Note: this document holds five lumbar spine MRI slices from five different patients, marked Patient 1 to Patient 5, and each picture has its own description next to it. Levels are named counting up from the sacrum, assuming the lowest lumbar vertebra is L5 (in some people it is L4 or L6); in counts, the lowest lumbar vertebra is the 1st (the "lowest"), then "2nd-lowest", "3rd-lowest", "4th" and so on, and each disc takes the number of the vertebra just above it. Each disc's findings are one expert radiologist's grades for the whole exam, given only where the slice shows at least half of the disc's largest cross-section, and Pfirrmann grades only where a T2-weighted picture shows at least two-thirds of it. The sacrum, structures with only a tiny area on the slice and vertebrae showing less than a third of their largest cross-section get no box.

Patient 1 of 5:
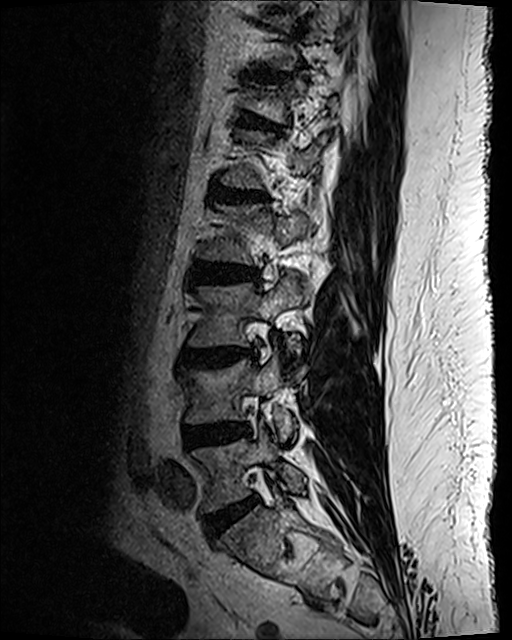
MRI lumbar spine (T2 SPACE (3D)), sagittal plane

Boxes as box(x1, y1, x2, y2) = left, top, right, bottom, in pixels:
{"disc T12/L1 (6th disc)": "box(242, 117, 274, 130)", "disc L2/L3 (4th disc)": "box(192, 265, 259, 284)", "L5/S1 (lowest disc)": "box(206, 500, 254, 534)", "L5 (lowest vertebra)": "box(193, 425, 306, 510)", "disc L1/L2 (5th disc)": "box(212, 183, 263, 204)", "L4 (2nd-lowest vertebra)": "box(185, 351, 294, 440)", "disc T11/T12 (7th disc)": "box(252, 68, 303, 81)", "L3 (3rd-lowest vertebra)": "box(189, 275, 306, 350)", "disc L4/L5 (2nd-lowest disc)": "box(183, 425, 249, 447)", "disc L3/L4 (3rd-lowest disc)": "box(183, 350, 256, 365)"}

Expert MSK radiologist gradings (per disc):
• L4/L5 (2nd-lowest disc): Pfirrmann grade 3, disc bulging, disc narrowing
• L3/L4 (3rd-lowest disc): lower-endplate change, upper-endplate change, Modic type II, disc bulging
• L2/L3 (4th disc): disc bulging, lower-endplate change

Patient 2 of 5:
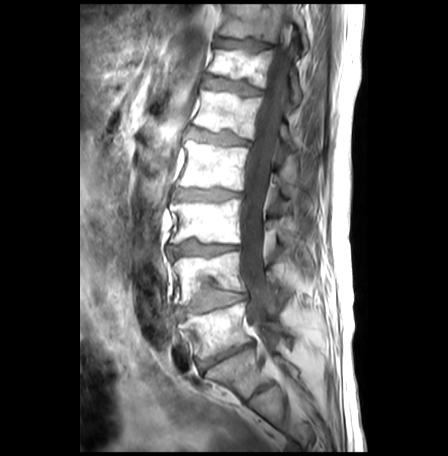

MRI lumbar spine (T1-weighted), sagittal plane, 448x456 px

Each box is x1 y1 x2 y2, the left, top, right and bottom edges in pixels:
Annotations:
- T11 (7th vertebra): 219 4 308 52
- intervertebral disc L2/L3 (4th disc): 173 191 241 202
- T12 (6th vertebra): 208 50 301 107
- L4 (2nd-lowest vertebra): 172 252 283 305
- L3/L4 (3rd-lowest disc): 166 242 238 259
- L5 (lowest vertebra): 180 302 291 358
- L4/L5 (2nd-lowest disc): 175 286 247 318
- L3 (3rd-lowest vertebra): 169 199 295 248
- L2 (4th vertebra): 174 142 292 196
- spinal canal: 237 15 297 399
- L5/S1 (lowest disc): 198 343 252 372
- intervertebral disc L1/L2 (5th disc): 188 129 247 146
- intervertebral disc T12/L1 (6th disc): 203 76 261 96
- intervertebral disc T11/T12 (7th disc): 215 38 270 51
- L1 (5th vertebra): 192 91 296 150

Degenerative findings by level:
• T12/L1 (6th disc): lower-endplate change, upper-endplate change, disc bulging, Modic type II
• L1/L2 (5th disc): disc bulging, upper-endplate change, lower-endplate change, Modic type II
• L5/S1 (lowest disc): disc narrowing, disc bulging, Modic type II
• T11/T12 (7th disc): upper-endplate change, lower-endplate change, Modic type II
• L3/L4 (3rd-lowest disc): Modic type II, disc narrowing, lower-endplate change, upper-endplate change, disc bulging
• L4/L5 (2nd-lowest disc): Modic type II, lower-endplate change, disc bulging, upper-endplate change
• L2/L3 (4th disc): disc bulging, lower-endplate change, Modic type II, upper-endplate change, disc narrowing

Patient 3 of 5:
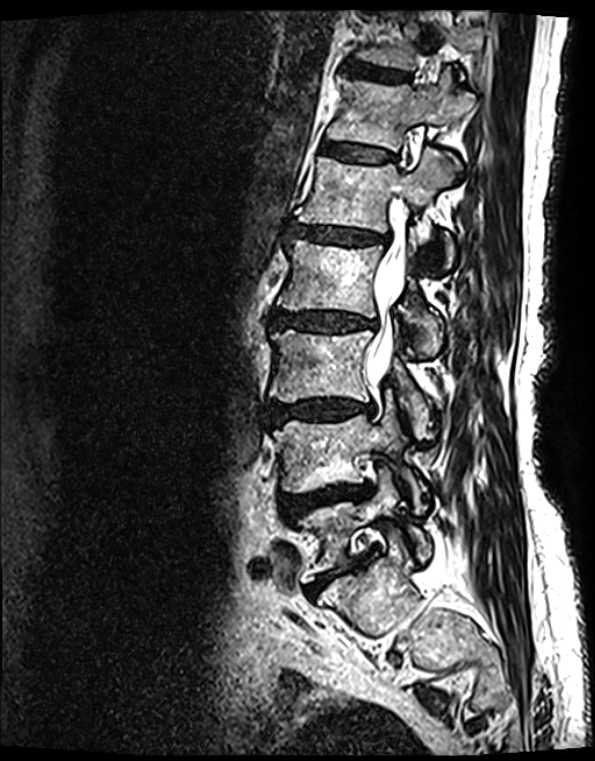

Field of view 240x307 mm, slice spacing 0.9 mm | MRI lumbar spine (T2 SPACE (3D)), sagittal plane | Slice 87/139 | Patient sex: F
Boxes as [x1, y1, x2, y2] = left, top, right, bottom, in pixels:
5th vertebra: [295, 150, 452, 266]
3rd-lowest disc: [272, 399, 372, 423]
2nd-lowest disc: [281, 489, 358, 522]
spinal canal: [366, 198, 406, 381]
lowest disc: [308, 558, 364, 595]
lowest vertebra: [296, 468, 430, 582]
2nd-lowest vertebra: [273, 403, 426, 512]
7th vertebra: [356, 12, 483, 71]
7th disc: [348, 65, 408, 82]
6th disc: [321, 144, 391, 163]
6th vertebra: [327, 74, 473, 150]
4th vertebra: [278, 241, 442, 355]
5th disc: [289, 226, 377, 244]
4th disc: [272, 312, 373, 332]
3rd-lowest vertebra: [269, 330, 433, 438]

Expert MSK radiologist gradings (per disc):
• 3rd-lowest disc: Pfirrmann grade 4, lower-endplate change, disc bulging, Modic type II, upper-endplate change, disc narrowing
• 5th disc: Pfirrmann grade 4, Modic type II, upper-endplate change, disc narrowing, lower-endplate change, disc bulging
• 2nd-lowest disc: Modic type II, disc bulging, disc herniation, lower-endplate change, disc narrowing, upper-endplate change
• 4th disc: Pfirrmann grade 4, lower-endplate change, Modic type II, disc bulging, upper-endplate change, disc narrowing
• 7th disc: lower-endplate change, upper-endplate change, Modic type II
• 6th disc: Pfirrmann grade 2, upper-endplate change, lower-endplate change, Modic type II

Patient 4 of 5:
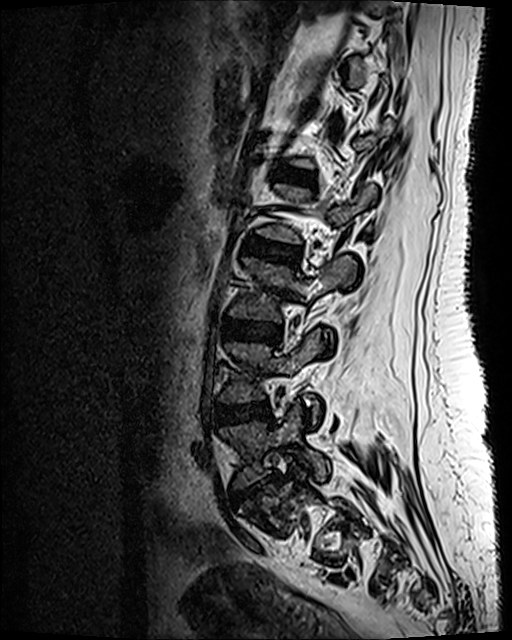 Sagittal T2 SPACE (3D) lumbar spine MRI; Slice 82/120

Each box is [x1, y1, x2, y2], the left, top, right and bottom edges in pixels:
Segmented structures:
• L2/L3 = [244, 237, 299, 265]
• L5 = [220, 405, 330, 486]
• L3/L4 = [222, 319, 280, 343]
• L4 vertebra = [221, 330, 319, 422]
• L3 vertebra = [230, 256, 354, 320]
• IVD L1/L2 = [276, 168, 313, 185]
• L4/L5 = [217, 404, 270, 424]
• IVD L5/S1 = [238, 477, 274, 497]

Radiological gradings:
• L2/L3: disc bulging
• L3/L4: no Modic or endplate change, herniation, narrowing, bulging or spondylolisthesis recorded

Patient 5 of 5:
Scanner: SIEMENS Avanto_fit (1.5T), Lumbar spine MR, T2 SPACE (3D), sagittal 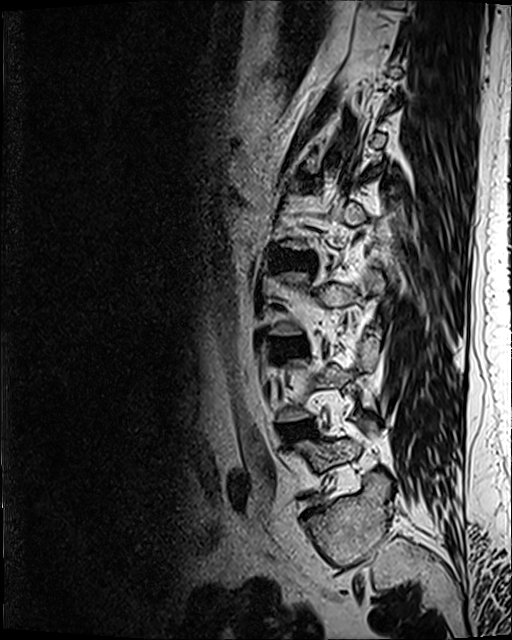 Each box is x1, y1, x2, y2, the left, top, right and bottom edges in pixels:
IVD L3/L4 (3rd-lowest disc): 276, 339, 299, 352
IVD L2/L3 (4th disc): 274, 252, 312, 270
L4/L5 (2nd-lowest disc): 284, 425, 306, 438